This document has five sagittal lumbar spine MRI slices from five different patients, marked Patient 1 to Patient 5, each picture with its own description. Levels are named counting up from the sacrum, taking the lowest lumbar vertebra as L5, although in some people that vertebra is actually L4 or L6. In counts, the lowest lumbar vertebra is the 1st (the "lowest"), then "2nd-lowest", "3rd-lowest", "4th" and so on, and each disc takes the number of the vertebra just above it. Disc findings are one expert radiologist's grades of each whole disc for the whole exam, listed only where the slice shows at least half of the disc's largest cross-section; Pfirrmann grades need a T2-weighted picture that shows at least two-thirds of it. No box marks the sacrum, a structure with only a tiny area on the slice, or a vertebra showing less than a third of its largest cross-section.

Patient 1 of 5:
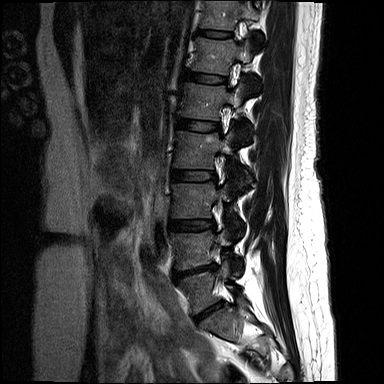
Image 384x384 | Sagittal slice index 4 | Field of view 280x280 mm, slice spacing 4.4 mm | Patient sex: F | Sagittal T2-weighted lumbar spine MRI
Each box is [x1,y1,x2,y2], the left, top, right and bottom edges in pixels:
L1 vertebra at [180,83,246,119], disc L4/L5 at [176,264,216,279], L2 vertebra at [174,131,252,184], T11 vertebra at [201,0,264,29], disc L1/L2 at [178,118,219,131], T12/L1 at [185,71,226,83], L3/L4 at [169,219,214,230], L4 vertebra at [171,228,231,270], L3 vertebra at [172,182,231,217], disc L2/L3 at [172,170,215,181], L5/S1 at [196,302,223,321], T11/T12 at [198,30,231,37], T12 vertebra at [192,38,251,74], L5 at [180,261,229,313].

Expert MSK radiologist gradings (per disc):
  T11/T12: Pfirrmann grade 2
  L2/L3: Pfirrmann grade 3, disc bulging
  L1/L2: Pfirrmann grade 2
  T12/L1: Pfirrmann grade 2
  L3/L4: Pfirrmann grade 4, disc bulging, upper-endplate change

Patient 2 of 5:
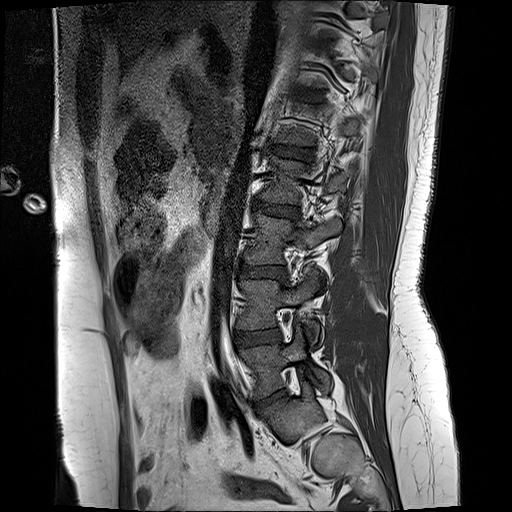 Sagittal T1-weighted lumbar spine MRI. Patient sex: F. Image 512x512.
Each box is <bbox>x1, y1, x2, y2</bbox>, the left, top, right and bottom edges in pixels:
IVD T12/L1 at <bbox>305, 94, 317, 101</bbox>.
L4 at <bbox>238, 269, 319, 341</bbox>.
L4/L5 at <bbox>234, 331, 281, 347</bbox>.
L1/L2 at <bbox>266, 144, 313, 160</bbox>.
L5/S1 at <bbox>253, 391, 284, 410</bbox>.
L2 at <bbox>260, 158, 352, 204</bbox>.
L3 at <bbox>246, 215, 341, 264</bbox>.
IVD L2/L3 at <bbox>252, 201, 297, 219</bbox>.
IVD L3/L4 at <bbox>239, 265, 285, 279</bbox>.
L5 at <bbox>242, 326, 332, 398</bbox>.

Expert MSK radiologist gradings (per disc):
- L2/L3: disc bulging, lower-endplate change, upper-endplate change
- L4/L5: disc bulging
- L1/L2: upper-endplate change, lower-endplate change
- L3/L4: disc bulging

Patient 3 of 5:
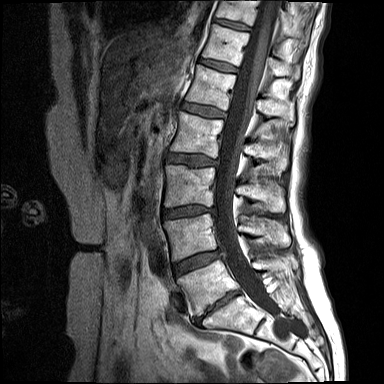 Sagittal T1-weighted lumbar spine MRI
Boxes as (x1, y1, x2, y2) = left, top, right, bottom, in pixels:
7th vertebra at (216, 0, 306, 40), 5th disc at (182, 103, 226, 117), 4th disc at (167, 154, 218, 166), 7th disc at (214, 19, 251, 30), 5th vertebra at (186, 65, 294, 125), lowest disc at (195, 291, 239, 321), 3rd-lowest vertebra at (164, 165, 285, 212), thecal sac / spinal canal at (215, 0, 284, 320), lowest vertebra at (177, 257, 297, 315), 2nd-lowest disc at (173, 250, 221, 274), 6th disc at (200, 58, 237, 72), 4th vertebra at (170, 112, 288, 171), 3rd-lowest disc at (163, 206, 214, 217), 2nd-lowest vertebra at (164, 214, 290, 260), 6th vertebra at (202, 24, 300, 80).

Expert MSK radiologist gradings (per disc):
- 3rd-lowest disc: disc narrowing, disc bulging, Modic type II
- 5th disc: Modic type II
- 2nd-lowest disc: Modic type II, disc bulging
- lowest disc: disc narrowing, lower-endplate change, upper-endplate change, Modic type II, disc bulging
- 4th disc: upper-endplate change, disc bulging, Modic type II
- 6th disc, 7th disc: no herniation, bulging, narrowing, spondylolisthesis, endplate or Modic change recorded

Patient 4 of 5:
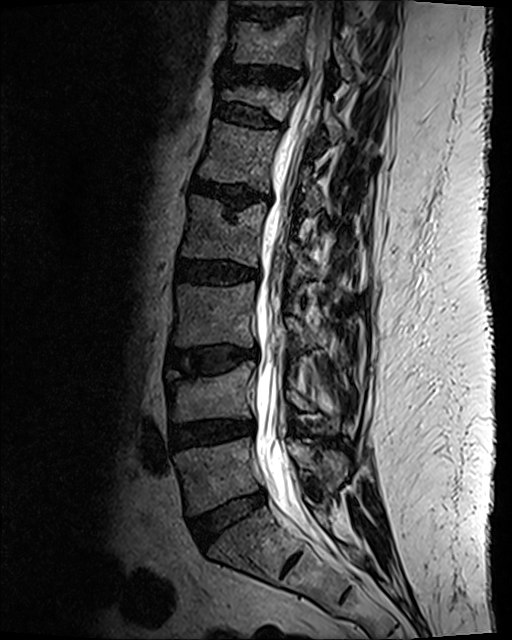 Slice spacing 0.9 mm | Lumbar spine MR, T2 SPACE (3D), sagittal | Sex M
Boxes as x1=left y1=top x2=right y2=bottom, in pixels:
L2 vertebra: x1=182 y1=197 x2=315 y2=282.
L1: x1=199 y1=121 x2=321 y2=215.
Disc L5/S1: x1=191 y1=489 x2=266 y2=546.
Disc L2/L3: x1=177 y1=260 x2=258 y2=285.
L3/L4: x1=168 y1=347 x2=257 y2=374.
T12 vertebra: x1=222 y1=85 x2=342 y2=143.
Thecal sac / spinal canal: x1=254 y1=1 x2=331 y2=536.
L3 vertebra: x1=173 y1=282 x2=342 y2=366.
T10/T11: x1=235 y1=10 x2=300 y2=20.
L1/L2: x1=192 y1=180 x2=254 y2=211.
L5: x1=175 y1=438 x2=347 y2=514.
L4 vertebra: x1=166 y1=363 x2=339 y2=434.
T11/T12: x1=226 y1=68 x2=297 y2=87.
T11: x1=227 y1=16 x2=351 y2=80.
L4/L5: x1=171 y1=421 x2=247 y2=447.
T12/L1: x1=214 y1=103 x2=282 y2=129.

Per-level radiological findings:
• T12/L1: Pfirrmann grade 2, lower-endplate change, disc bulging, spondylolisthesis, upper-endplate change
• T11/T12: Pfirrmann grade 2, disc bulging, lower-endplate change, upper-endplate change, disc narrowing
• L3/L4: Pfirrmann grade 3, upper-endplate change, disc bulging, lower-endplate change, Modic type II
• L1/L2: Pfirrmann grade 3, lower-endplate change, upper-endplate change, disc bulging, Modic type II, disc narrowing
• L5/S1: Pfirrmann grade 2, disc bulging
• L2/L3: Pfirrmann grade 3, disc bulging, lower-endplate change
• L4/L5: Pfirrmann grade 3, disc bulging, disc narrowing

Patient 5 of 5:
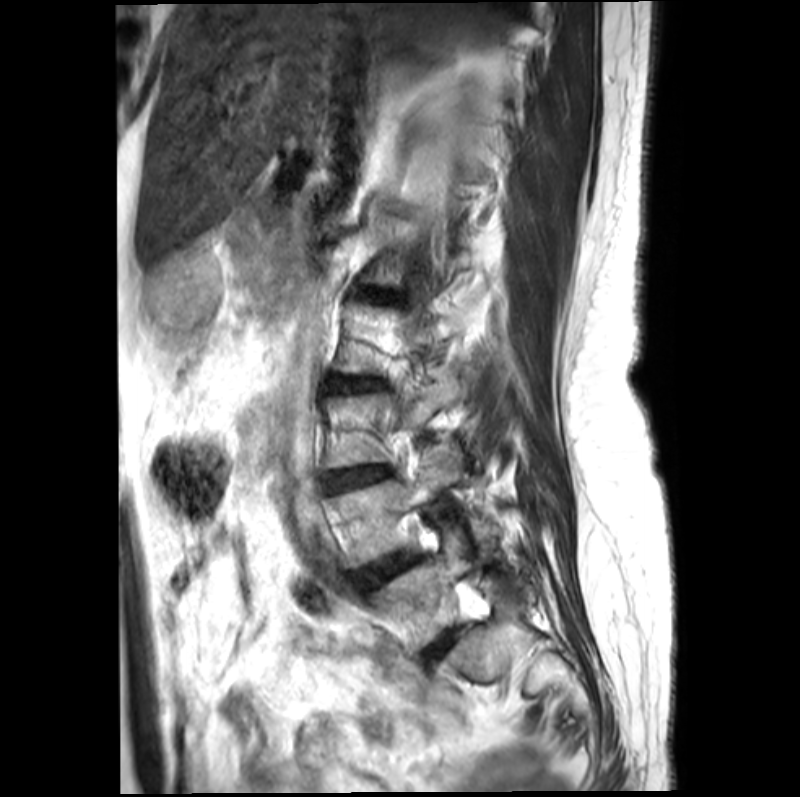

MRI lumbar spine (T2-weighted), sagittal plane | Slice spacing 4.4 mm | Sex F

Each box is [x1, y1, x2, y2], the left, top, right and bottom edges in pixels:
2nd-lowest disc: [356, 554, 415, 584]
lowest disc: [429, 633, 451, 657]
2nd-lowest vertebra: [328, 457, 490, 567]
4th disc: [332, 376, 373, 391]
3rd-lowest disc: [323, 467, 384, 490]
lowest vertebra: [377, 526, 469, 643]

Radiological gradings:
- 2nd-lowest disc: Modic type II
- 3rd-lowest disc: Pfirrmann grade 3, disc narrowing, Modic type II, disc bulging, upper-endplate change, lower-endplate change